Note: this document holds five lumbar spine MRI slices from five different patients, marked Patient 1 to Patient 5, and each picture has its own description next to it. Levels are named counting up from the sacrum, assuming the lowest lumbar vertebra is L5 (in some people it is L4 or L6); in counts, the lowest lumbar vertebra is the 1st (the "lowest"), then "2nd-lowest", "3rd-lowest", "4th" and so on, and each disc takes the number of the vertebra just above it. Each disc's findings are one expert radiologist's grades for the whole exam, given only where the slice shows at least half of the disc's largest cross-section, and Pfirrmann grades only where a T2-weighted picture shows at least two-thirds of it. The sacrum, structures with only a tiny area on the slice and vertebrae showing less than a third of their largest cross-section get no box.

Patient 1 of 5:
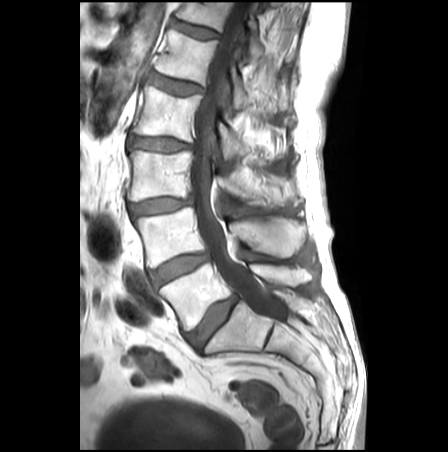 Sagittal slice index 14 | Sagittal T1-weighted lumbar spine MRI | Image 448x452

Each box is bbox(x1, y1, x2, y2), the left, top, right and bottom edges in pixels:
Spinal canal at bbox(190, 2, 285, 321).
IVD L3/L4 at bbox(130, 197, 192, 214).
T12/L1 at bbox(171, 19, 219, 38).
L1 at bbox(155, 28, 295, 112).
L2 at bbox(134, 85, 286, 157).
T12 at bbox(175, 2, 290, 59).
IVD L1/L2 at bbox(150, 72, 203, 95).
L5 at bbox(160, 262, 310, 330).
L5/S1 at bbox(187, 295, 236, 350).
IVD L4/L5 at bbox(150, 253, 208, 285).
L4 vertebra at bbox(133, 207, 304, 267).
L2/L3 at bbox(127, 137, 191, 151).
L3 vertebra at bbox(128, 150, 292, 204).

Degenerative findings by level:
- L4/L5: disc bulging
- L1/L2: disc bulging, lower-endplate change, upper-endplate change, Modic type II
- L5/S1: disc bulging
- L2/L3: disc bulging
- L3/L4: disc bulging, disc narrowing
- T12/L1: no spondylolisthesis, narrowing, bulging, herniation, Modic or endplate change recorded

Patient 2 of 5:
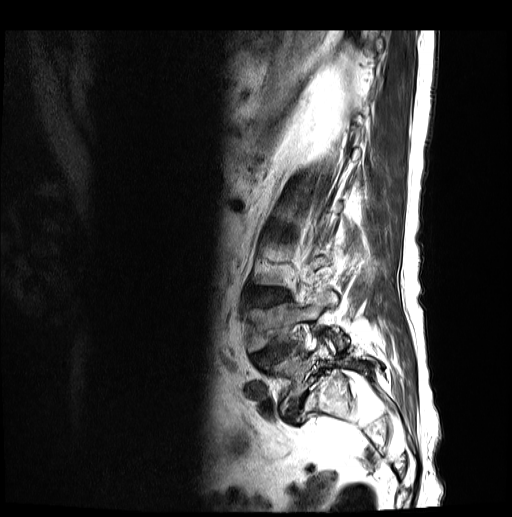 Sagittal T2-weighted lumbar spine MRI
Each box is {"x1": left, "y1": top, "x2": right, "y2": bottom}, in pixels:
2nd-lowest vertebra: {"x1": 248, "y1": 291, "x2": 340, "y2": 352}.
Lowest disc: {"x1": 285, "y1": 386, "x2": 314, "y2": 425}.
2nd-lowest disc: {"x1": 252, "y1": 343, "x2": 299, "y2": 368}.
3rd-lowest disc: {"x1": 247, "y1": 290, "x2": 289, "y2": 307}.
Lowest vertebra: {"x1": 263, "y1": 343, "x2": 380, "y2": 409}.

Radiological gradings:
- 2nd-lowest disc: spondylolisthesis, disc narrowing, lower-endplate change, disc herniation, upper-endplate change
- lowest disc: spondylolisthesis, Modic type II, disc narrowing, disc herniation
- 3rd-lowest disc: lower-endplate change, upper-endplate change, disc bulging

Patient 3 of 5:
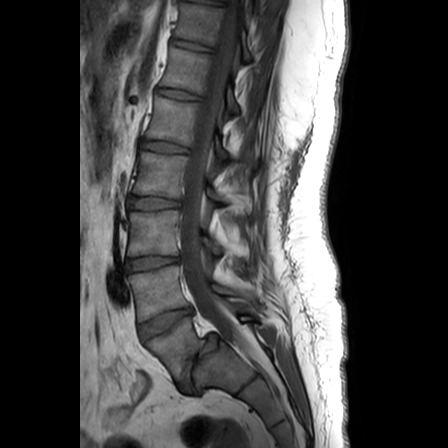 Patient sex: F; Slice 11/24; MRI lumbar spine (T1-weighted), sagittal plane
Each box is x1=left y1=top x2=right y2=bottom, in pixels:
Annotations:
• lowest disc: x1=180 y1=334 x2=221 y2=387
• 7th vertebra: x1=175 y1=4 x2=251 y2=60
• 7th disc: x1=172 y1=40 x2=210 y2=51
• 2nd-lowest vertebra: x1=129 y1=266 x2=254 y2=321
• 3rd-lowest disc: x1=129 y1=256 x2=178 y2=270
• 4th vertebra: x1=134 y1=152 x2=222 y2=200
• spinal canal: x1=179 y1=0 x2=263 y2=364
• lowest vertebra: x1=147 y1=316 x2=254 y2=379
• 5th vertebra: x1=147 y1=97 x2=253 y2=165
• 4th disc: x1=127 y1=197 x2=179 y2=209
• 5th disc: x1=144 y1=141 x2=188 y2=153
• 3rd-lowest vertebra: x1=129 y1=210 x2=222 y2=255
• 2nd-lowest disc: x1=140 y1=308 x2=193 y2=339
• 6th disc: x1=158 y1=89 x2=199 y2=99
• 6th vertebra: x1=161 y1=48 x2=238 y2=112

Per-level radiological findings:
  lowest disc: spondylolisthesis, lower-endplate change, disc bulging, disc narrowing
  2nd-lowest disc: disc bulging
  6th disc, 5th disc, 4th disc, 3rd-lowest disc, 7th disc: no spondylolisthesis, narrowing, bulging, herniation, Modic or endplate change recorded

Patient 4 of 5:
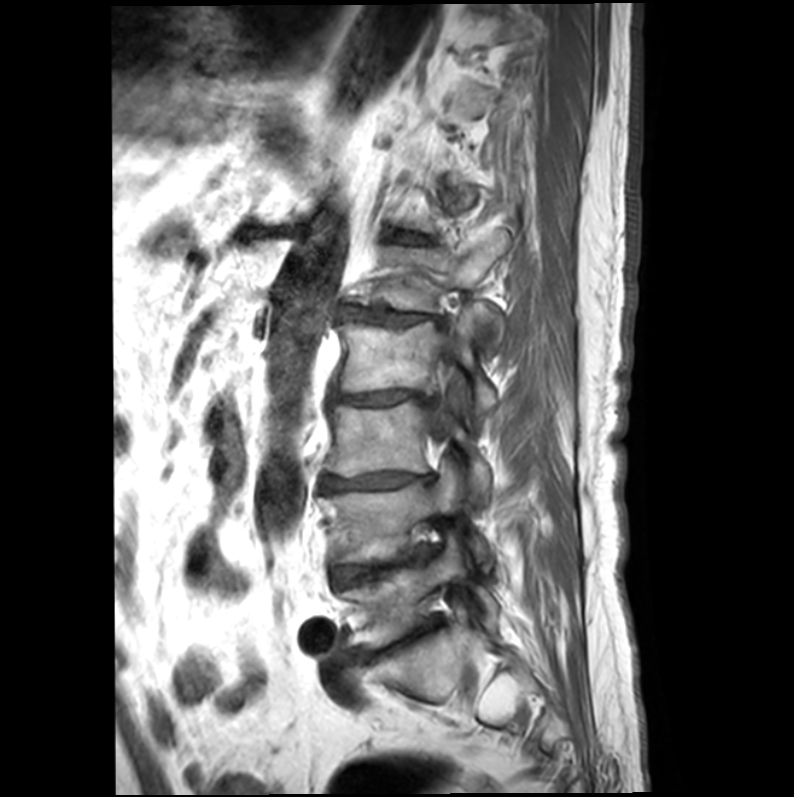 Sex M; Image 794x797; MRI lumbar spine (T1-weighted), sagittal plane; Sagittal slice index 14
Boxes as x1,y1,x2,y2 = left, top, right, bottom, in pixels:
{"L3 (3rd-lowest vertebra)": "325,401,489,496", "L2/L3 (4th disc)": "329,390,432,405", "L2 (4th vertebra)": "332,302,497,428", "IVD L1/L2 (5th disc)": "342,308,441,326", "IVD L5/S1 (lowest disc)": "357,622,435,660", "L4 (2nd-lowest vertebra)": "321,469,489,570", "spinal canal": "428,345,458,439", "IVD L3/L4 (3rd-lowest disc)": "320,472,434,493", "L4/L5 (2nd-lowest disc)": "332,546,432,587", "T12/L1 (6th disc)": "396,234,427,243", "L1 (5th vertebra)": "354,230,507,344", "L5 (lowest vertebra)": "342,540,496,648"}

Per-level radiological findings:
- L2/L3 (4th disc): upper-endplate change, disc bulging, lower-endplate change, disc narrowing, Modic type II
- L3/L4 (3rd-lowest disc): disc bulging, upper-endplate change, disc narrowing, lower-endplate change, Modic type II
- L5/S1 (lowest disc): lower-endplate change, disc narrowing, disc bulging, upper-endplate change, Modic type II
- L1/L2 (5th disc): disc narrowing, lower-endplate change, disc bulging, Modic type II, upper-endplate change
- L4/L5 (2nd-lowest disc): Modic type II, disc bulging, upper-endplate change, lower-endplate change, disc narrowing

Patient 5 of 5:
SIEMENS Avanto_fit (1.5T) | Field of view 300x304 mm | Sagittal T1-weighted lumbar spine MRI

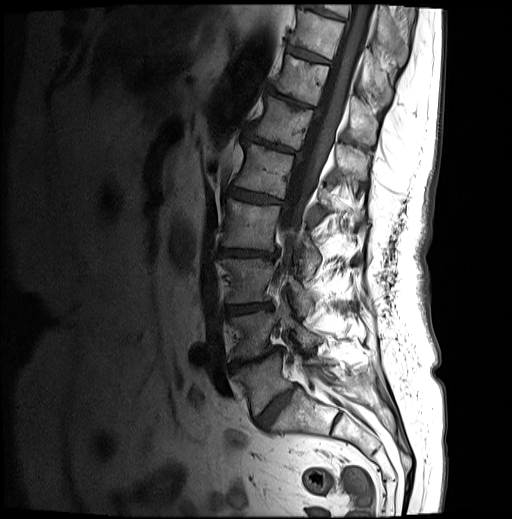 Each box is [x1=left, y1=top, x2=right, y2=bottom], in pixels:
Structures:
- T12/L1 = [x1=243, y1=128, x2=298, y2=154]
- T10 = [x1=290, y1=10, x2=391, y2=101]
- T9/T10 = [x1=300, y1=3, x2=344, y2=19]
- thecal sac / spinal canal = [x1=279, y1=0, x2=374, y2=382]
- L4 vertebra = [x1=229, y1=300, x2=322, y2=359]
- T12 vertebra = [x1=253, y1=96, x2=367, y2=178]
- T9 vertebra = [x1=310, y1=4, x2=407, y2=63]
- L3 = [x1=222, y1=258, x2=313, y2=315]
- L3/L4 = [x1=227, y1=303, x2=270, y2=314]
- L2/L3 = [x1=221, y1=248, x2=275, y2=259]
- intervertebral disc L4/L5 = [x1=230, y1=347, x2=281, y2=371]
- L5/S1 = [x1=255, y1=385, x2=296, y2=429]
- intervertebral disc T10/T11 = [x1=287, y1=45, x2=329, y2=63]
- L2 vertebra = [x1=223, y1=198, x2=320, y2=276]
- T11 = [x1=274, y1=54, x2=377, y2=143]
- T11/T12 = [x1=268, y1=86, x2=314, y2=108]
- L5 = [x1=232, y1=354, x2=330, y2=415]
- intervertebral disc L1/L2 = [x1=228, y1=188, x2=282, y2=205]
- L1 = [x1=234, y1=143, x2=361, y2=221]

Degenerative findings by level:
• L1/L2: disc narrowing, Modic type II, disc bulging, lower-endplate change, upper-endplate change
• L4/L5: Modic type II, disc narrowing, upper-endplate change, lower-endplate change, disc bulging
• L2/L3: disc bulging, disc narrowing, lower-endplate change, Modic type II, upper-endplate change
• L5/S1: disc bulging, disc narrowing
• T11/T12: disc narrowing, lower-endplate change, Modic type II, disc bulging, upper-endplate change
• T10/T11: Modic type II, lower-endplate change, upper-endplate change
• T9/T10: disc bulging, lower-endplate change, Modic type II, upper-endplate change
• T12/L1: disc bulging, Modic type II, upper-endplate change, lower-endplate change, disc narrowing
• L3/L4: upper-endplate change, disc bulging, lower-endplate change, disc narrowing, Modic type II